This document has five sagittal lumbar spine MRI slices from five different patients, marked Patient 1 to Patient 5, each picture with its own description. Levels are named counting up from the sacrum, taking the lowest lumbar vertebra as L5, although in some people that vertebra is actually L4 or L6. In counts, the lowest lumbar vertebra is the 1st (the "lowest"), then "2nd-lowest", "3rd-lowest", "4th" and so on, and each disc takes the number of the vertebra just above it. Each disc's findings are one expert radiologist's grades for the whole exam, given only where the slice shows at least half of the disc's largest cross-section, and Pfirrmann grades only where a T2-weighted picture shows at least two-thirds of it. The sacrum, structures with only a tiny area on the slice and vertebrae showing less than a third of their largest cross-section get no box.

Patient 1 of 5:
Sex F, MRI lumbar spine (T1-weighted), sagittal plane 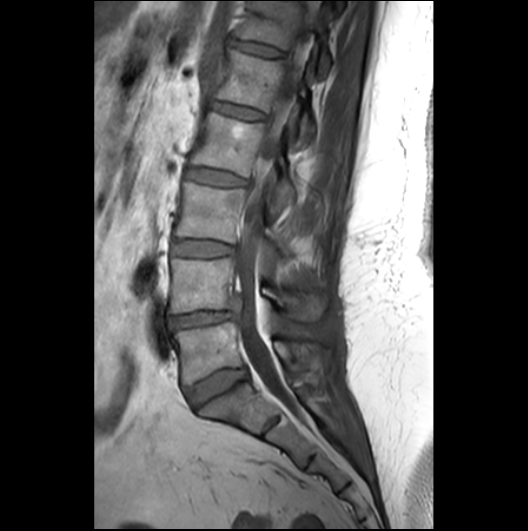

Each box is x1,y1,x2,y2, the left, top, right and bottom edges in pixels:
{"L1/L2 (5th disc)": "212,101,264,119", "L2/L3 (4th disc)": "186,168,245,184", "L5 (lowest vertebra)": "174,322,322,383", "T12/L1 (6th disc)": "231,39,283,55", "T12 (6th vertebra)": "237,1,330,75", "IVD L3/L4 (3rd-lowest disc)": "173,239,232,256", "L3 (3rd-lowest vertebra)": "175,182,291,254", "L1 (5th vertebra)": "214,50,313,145", "L4 (2nd-lowest vertebra)": "170,258,326,320", "IVD L4/L5 (2nd-lowest disc)": "168,311,233,328", "thecal sac / spinal canal": "234,2,321,416", "L5/S1 (lowest disc)": "186,367,247,407", "L2 (4th vertebra)": "191,113,295,207"}

Degenerative findings by level:
  L4/L5 (2nd-lowest disc): disc narrowing, disc herniation
  T12/L1 (6th disc), L1/L2 (5th disc), L3/L4 (3rd-lowest disc), L2/L3 (4th disc), L5/S1 (lowest disc): no herniation, bulging, narrowing, spondylolisthesis, endplate or Modic change recorded

Patient 2 of 5:
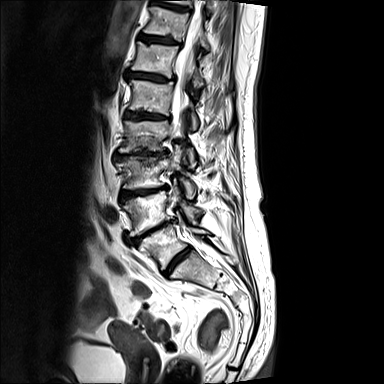

MRI lumbar spine (T2-weighted), sagittal plane. Slice 11/15.

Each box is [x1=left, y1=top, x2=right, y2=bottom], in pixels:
{"L5": "[x1=139, y1=224, x2=209, y2=269]", "L1 vertebra": "[x1=129, y1=79, x2=198, y2=130]", "T10/T11": "[x1=150, y1=0, x2=189, y2=11]", "L3 vertebra": "[x1=116, y1=145, x2=196, y2=198]", "IVD L5/S1": "[x1=163, y1=246, x2=191, y2=275]", "IVD T11/T12": "[x1=138, y1=33, x2=180, y2=45]", "L4": "[x1=122, y1=184, x2=201, y2=236]", "IVD L4/L5": "[x1=131, y1=220, x2=173, y2=243]", "L3/L4": "[x1=121, y1=187, x2=166, y2=199]", "T12 vertebra": "[x1=131, y1=41, x2=203, y2=87]", "T11 vertebra": "[x1=143, y1=6, x2=231, y2=51]", "L1/L2": "[x1=124, y1=111, x2=170, y2=119]", "IVD T12/L1": "[x1=125, y1=71, x2=175, y2=81]", "L2": "[x1=118, y1=120, x2=196, y2=167]", "thecal sac / spinal canal": "[x1=172, y1=0, x2=206, y2=127]", "T10": "[x1=165, y1=0, x2=216, y2=13]", "L2/L3": "[x1=114, y1=150, x2=167, y2=160]"}

Radiological gradings:
- L5/S1: Pfirrmann grade 5, disc narrowing, upper-endplate change, disc bulging, Modic type II, lower-endplate change
- L1/L2: Pfirrmann grade 5, disc narrowing, Modic type II, disc bulging, lower-endplate change, upper-endplate change
- L2/L3: disc bulging, Modic type II, disc narrowing, lower-endplate change, upper-endplate change
- T11/T12: Pfirrmann grade 4, upper-endplate change, Modic type II, disc bulging, lower-endplate change
- T12/L1: Pfirrmann grade 5, Modic type II, upper-endplate change, disc narrowing, disc bulging, lower-endplate change
- L3/L4: Pfirrmann grade 5, disc narrowing, Modic type II, upper-endplate change, disc bulging, lower-endplate change
- L4/L5: Pfirrmann grade 5, disc bulging, lower-endplate change, disc narrowing, upper-endplate change, Modic type II
- T10/T11: Pfirrmann grade 4, disc bulging

Patient 3 of 5:
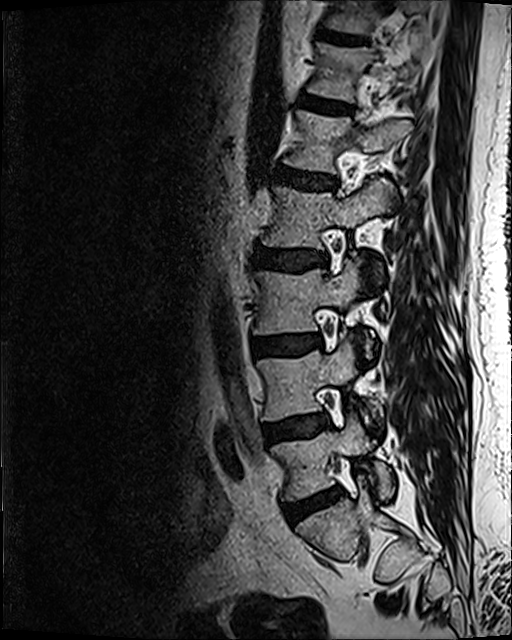

Lumbar spine MR, T2 SPACE (3D), sagittal
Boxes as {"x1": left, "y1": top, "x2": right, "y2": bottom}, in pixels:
L3 vertebra — {"x1": 254, "y1": 259, "x2": 373, "y2": 357}.
L3/L4 — {"x1": 254, "y1": 334, "x2": 321, "y2": 356}.
T11 vertebra — {"x1": 319, "y1": 0, "x2": 426, "y2": 34}.
L4/L5 — {"x1": 262, "y1": 414, "x2": 327, "y2": 444}.
Intervertebral disc L1/L2 — {"x1": 277, "y1": 167, "x2": 334, "y2": 189}.
T12 — {"x1": 308, "y1": 43, "x2": 419, "y2": 102}.
L1 vertebra — {"x1": 284, "y1": 111, "x2": 411, "y2": 173}.
L5 vertebra — {"x1": 272, "y1": 414, "x2": 393, "y2": 500}.
T11/T12 — {"x1": 320, "y1": 31, "x2": 365, "y2": 44}.
L5/S1 — {"x1": 284, "y1": 487, "x2": 343, "y2": 525}.
T12/L1 — {"x1": 299, "y1": 96, "x2": 351, "y2": 112}.
L4 vertebra — {"x1": 257, "y1": 341, "x2": 378, "y2": 421}.
L2 — {"x1": 260, "y1": 178, "x2": 392, "y2": 275}.
Intervertebral disc L2/L3 — {"x1": 257, "y1": 248, "x2": 326, "y2": 271}.

Expert MSK radiologist gradings (per disc):
• L1/L2: disc bulging
• L3/L4: Pfirrmann grade 2, disc bulging, Modic type II
• L4/L5: Pfirrmann grade 2, Modic type II, disc bulging
• L2/L3: Pfirrmann grade 3, disc bulging
• L5/S1: Modic type II, disc bulging, disc narrowing
• T12/L1, T11/T12: no spondylolisthesis, narrowing, bulging, herniation, Modic or endplate change recorded

Patient 4 of 5:
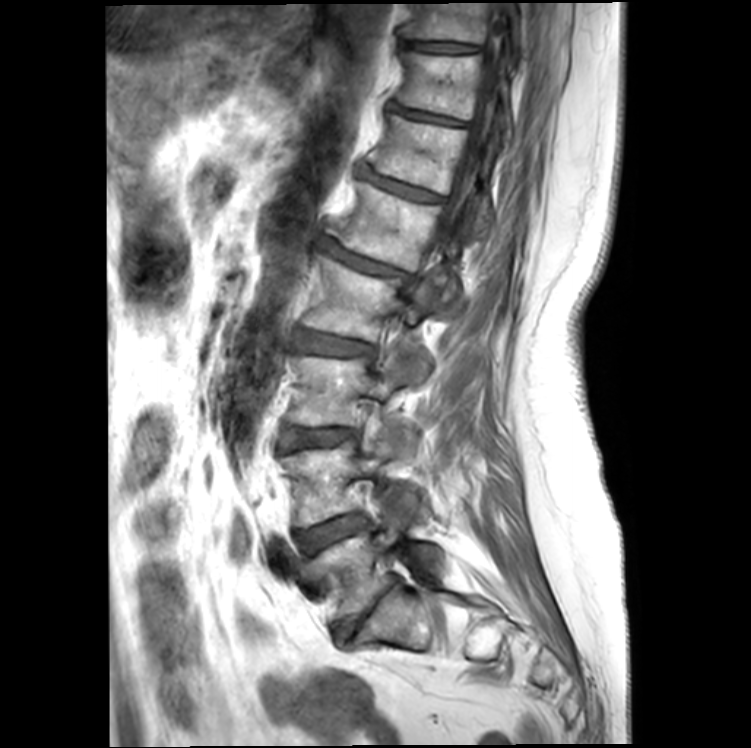 751x748 px | Slice 14 of 20 | MRI lumbar spine (T1-weighted), sagittal plane
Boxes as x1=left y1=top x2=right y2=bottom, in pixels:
L2/L3 (4th disc) at x1=295 y1=330 x2=373 y2=354, disc L1/L2 (5th disc) at x1=322 y1=240 x2=413 y2=281, L3/L4 (3rd-lowest disc) at x1=281 y1=427 x2=354 y2=449, T11 (7th vertebra) at x1=396 y1=52 x2=512 y2=134, spinal canal at x1=418 y1=13 x2=500 y2=285, L4 (2nd-lowest vertebra) at x1=282 y1=437 x2=414 y2=526, disc T12/L1 (6th disc) at x1=361 y1=170 x2=443 y2=201, T10 (8th vertebra) at x1=406 y1=3 x2=524 y2=53, disc T11/T12 (7th disc) at x1=392 y1=105 x2=465 y2=125, L3 (3rd-lowest vertebra) at x1=288 y1=355 x2=402 y2=426, T10/T11 (8th disc) at x1=408 y1=42 x2=480 y2=53, disc L5/S1 (lowest disc) at x1=333 y1=589 x2=389 y2=641, L1 (5th vertebra) at x1=333 y1=181 x2=461 y2=302, L5 (lowest vertebra) at x1=310 y1=507 x2=437 y2=625, disc L4/L5 (2nd-lowest disc) at x1=297 y1=513 x2=367 y2=555, T12 (6th vertebra) at x1=368 y1=114 x2=499 y2=232, L2 (4th vertebra) at x1=303 y1=255 x2=443 y2=380.

Per-level radiological findings:
  L3/L4 (3rd-lowest disc): Modic type II, disc bulging, disc narrowing
  L2/L3 (4th disc): disc bulging, Modic type II
  T12/L1 (6th disc): Modic type II, upper-endplate change, lower-endplate change, disc narrowing
  L4/L5 (2nd-lowest disc): disc bulging, Modic type II
  T11/T12 (7th disc): Modic type II, disc narrowing, lower-endplate change, upper-endplate change
  T10/T11 (8th disc): lower-endplate change
  L1/L2 (5th disc): disc bulging, upper-endplate change, disc narrowing, Modic type II, spondylolisthesis, lower-endplate change

Patient 5 of 5:
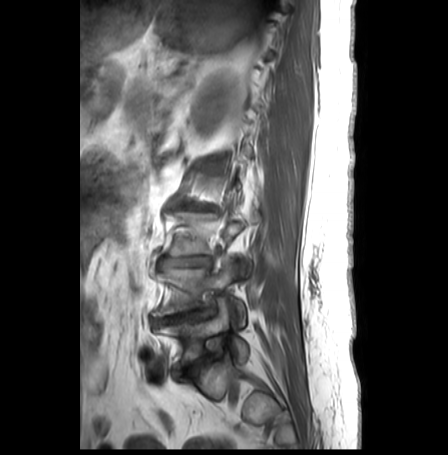
Image 448x455 | T1-weighted sagittal MRI of the lumbar spine

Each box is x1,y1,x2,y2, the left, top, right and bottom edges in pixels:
Annotations:
• L3 vertebra — 168,211,258,275
• L4/L5 — 152,307,214,325
• L4 — 152,256,245,324
• intervertebral disc L5/S1 — 173,352,219,377
• intervertebral disc L2/L3 — 174,205,214,209
• intervertebral disc L3/L4 — 159,255,211,269
• L5 — 154,297,248,368

Radiological gradings:
• L3/L4: Modic type II, upper-endplate change, disc narrowing, lower-endplate change, disc bulging
• L5/S1: Modic type II, upper-endplate change, disc narrowing, lower-endplate change, disc bulging
• L4/L5: disc herniation, disc narrowing, lower-endplate change, Modic type II, disc bulging, upper-endplate change